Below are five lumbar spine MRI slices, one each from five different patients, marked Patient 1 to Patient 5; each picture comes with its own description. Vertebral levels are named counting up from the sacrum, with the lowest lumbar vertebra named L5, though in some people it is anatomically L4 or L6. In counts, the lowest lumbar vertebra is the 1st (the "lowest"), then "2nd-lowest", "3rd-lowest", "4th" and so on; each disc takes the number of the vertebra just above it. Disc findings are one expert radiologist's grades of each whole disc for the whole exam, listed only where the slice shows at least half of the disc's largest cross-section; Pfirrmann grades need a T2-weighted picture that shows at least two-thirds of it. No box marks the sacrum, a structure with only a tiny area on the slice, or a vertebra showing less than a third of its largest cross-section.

Patient 1 of 5:
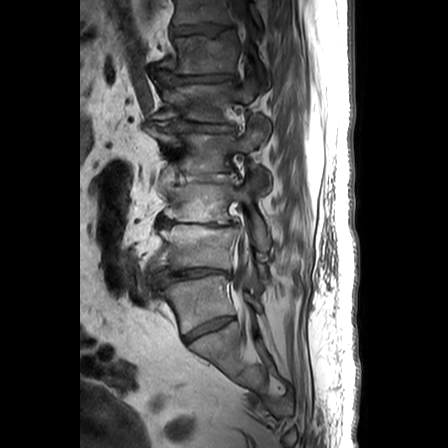 Sagittal slice index 10. T1-weighted sagittal MRI of the lumbar spine.
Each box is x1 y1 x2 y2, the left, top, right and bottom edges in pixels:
* L4 (2nd-lowest vertebra) at 151 224 267 277
* L2/L3 (4th disc) at 180 173 226 181
* IVD L3/L4 (3rd-lowest disc) at 157 217 237 227
* L1 (5th vertebra) at 154 77 270 131
* L2 (4th vertebra) at 150 126 270 191
* T12 (6th vertebra) at 157 32 269 87
* L3 (3rd-lowest vertebra) at 164 178 270 250
* L4/L5 (2nd-lowest disc) at 154 268 228 286
* IVD T11/T12 (7th disc) at 171 23 228 36
* IVD L5/S1 (lowest disc) at 185 317 232 341
* T11 (7th vertebra) at 173 0 263 29
* thecal sac / spinal canal at 229 0 251 295
* IVD L1/L2 (5th disc) at 155 120 232 131
* IVD T12/L1 (6th disc) at 156 70 233 83
* L5 (lowest vertebra) at 156 275 261 332

Per-level radiological findings:
• L4/L5 (2nd-lowest disc): disc bulging, disc narrowing, disc herniation, Modic type II
• L3/L4 (3rd-lowest disc): disc bulging, disc narrowing, Modic type II, disc herniation
• L1/L2 (5th disc): disc narrowing, disc bulging
• T12/L1 (6th disc): disc bulging, disc herniation, disc narrowing
• T11/T12 (7th disc): disc narrowing, disc bulging, upper-endplate change
• L5/S1 (lowest disc): disc narrowing
• L2/L3 (4th disc): disc bulging, disc narrowing

Patient 2 of 5:
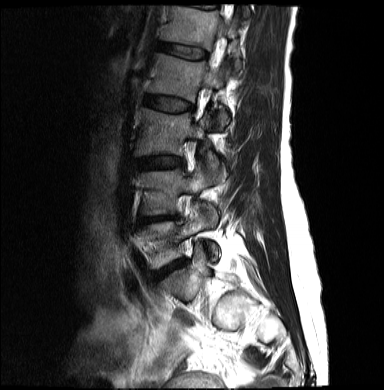

Sagittal slice index 4; Lumbar spine MR, T2-weighted, sagittal; Patient sex: F; Field of view 260x264 mm, slice spacing 4.8 mm

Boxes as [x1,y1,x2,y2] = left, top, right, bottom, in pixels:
* L3 at [135,108,225,176]
* L1 vertebra at [161,6,241,72]
* L5/S1 at [152,259,183,280]
* L4/L5 at [141,217,175,223]
* L4 vertebra at [140,165,217,223]
* intervertebral disc L1/L2 at [159,42,207,58]
* L2 at [147,53,228,127]
* L2/L3 at [144,94,192,112]
* intervertebral disc L3/L4 at [137,156,182,169]
* L5 vertebra at [146,210,218,268]

Per-level radiological findings:
- L2/L3: Pfirrmann grade 2
- L1/L2: Pfirrmann grade 2
- L3/L4: Pfirrmann grade 2

Patient 3 of 5:
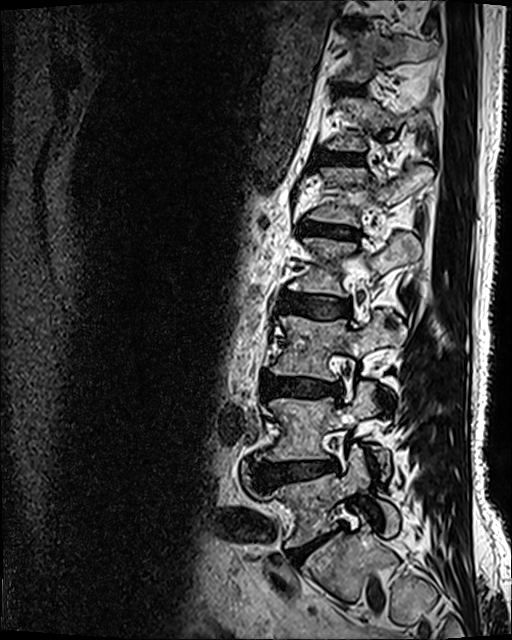
Field of view 240x300 mm; 512x640 px; Sagittal T2 SPACE (3D) lumbar spine MRI

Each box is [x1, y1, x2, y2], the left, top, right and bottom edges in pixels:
8th disc — [349, 21, 365, 26].
5th disc — [301, 222, 357, 238].
Lowest disc — [290, 530, 337, 561].
5th vertebra — [312, 165, 432, 225].
7th vertebra — [341, 31, 439, 82].
3rd-lowest disc — [263, 375, 342, 398].
2nd-lowest disc — [253, 460, 337, 486].
4th disc — [279, 292, 351, 317].
Lowest vertebra — [259, 446, 399, 547].
4th vertebra — [289, 233, 421, 296].
3rd-lowest vertebra — [271, 312, 407, 380].
2nd-lowest vertebra — [264, 381, 390, 478].
6th disc — [321, 154, 359, 166].

Expert MSK radiologist gradings (per disc):
  5th disc: Modic type II, upper-endplate change, lower-endplate change, disc narrowing, disc bulging
  4th disc: Pfirrmann grade 3, disc bulging
  3rd-lowest disc: Pfirrmann grade 4, Modic type II, disc narrowing, lower-endplate change, disc bulging
  2nd-lowest disc: disc bulging, disc herniation

Patient 4 of 5:
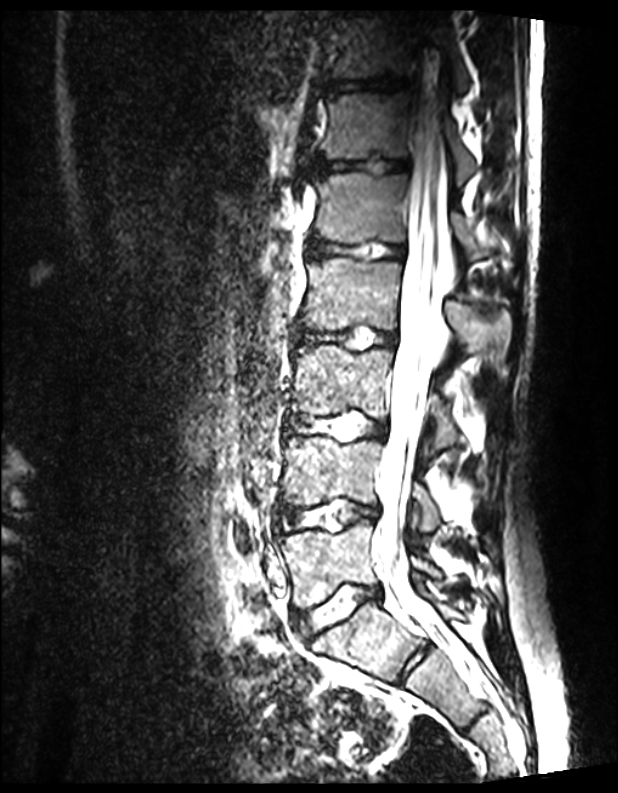 Image 618x793 | Slice 74/144 | Lumbar spine MR, T2 SPACE (3D), sagittal | Patient sex: M
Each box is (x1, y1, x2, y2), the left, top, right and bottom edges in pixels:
- L4/L5 — (277, 501, 377, 531)
- T11 vertebra — (330, 10, 469, 95)
- T12/L1 — (313, 159, 406, 175)
- spinal canal — (371, 38, 450, 635)
- T11/T12 — (322, 77, 404, 93)
- L2/L3 — (293, 325, 395, 348)
- L3/L4 — (287, 414, 387, 439)
- T12 vertebra — (321, 92, 478, 179)
- L3 — (292, 345, 452, 456)
- L4 vertebra — (282, 437, 439, 533)
- intervertebral disc L1/L2 — (307, 237, 404, 260)
- L2 vertebra — (298, 257, 511, 360)
- L5 vertebra — (279, 521, 438, 607)
- L1 — (315, 173, 513, 260)
- intervertebral disc L5/S1 — (298, 586, 381, 640)

Expert MSK radiologist gradings (per disc):
  L2/L3: Pfirrmann grade 1
  L1/L2: Pfirrmann grade 1
  L4/L5: Pfirrmann grade 1
  T12/L1: Pfirrmann grade 1
  L3/L4: Pfirrmann grade 1
  T11/T12: Pfirrmann grade 1
  L5/S1: Pfirrmann grade 1

Patient 5 of 5:
Sagittal slice index 14; Lumbar spine MR, T1-weighted, sagittal; 512x512 px 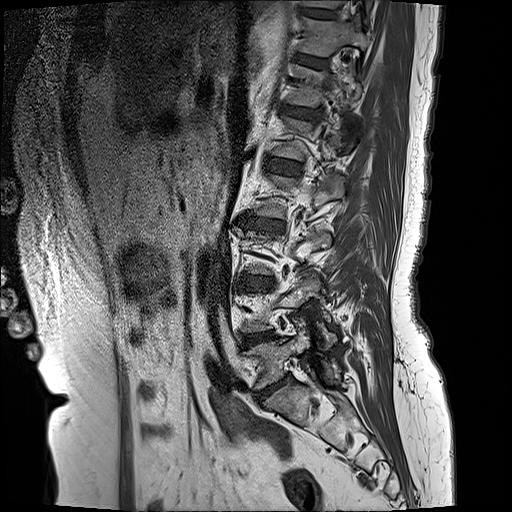

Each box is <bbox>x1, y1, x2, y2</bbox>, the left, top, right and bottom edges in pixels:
disc L1/L2 at <bbox>264, 158, 302, 175</bbox> | L2/L3 at <bbox>239, 215, 284, 231</bbox> | T12/L1 at <bbox>281, 106, 320, 120</bbox> | T12 at <bbox>290, 66, 361, 107</bbox> | T11 vertebra at <bbox>299, 18, 366, 55</bbox> | T10/T11 at <bbox>299, 7, 336, 17</bbox> | L5/S1 at <bbox>255, 375, 290, 401</bbox> | T11/T12 at <bbox>295, 55, 327, 66</bbox> | disc L4/L5 at <bbox>242, 332, 275, 345</bbox> | T10 vertebra at <bbox>301, 0, 373, 22</bbox> | disc L3/L4 at <bbox>239, 276, 273, 285</bbox> | L5 vertebra at <bbox>247, 328, 331, 389</bbox>

Expert MSK radiologist gradings (per disc):
- L2/L3: disc narrowing, Modic type II, upper-endplate change, disc bulging, lower-endplate change
- T12/L1: disc bulging
- T10/T11, L1/L2, T11/T12: no Modic or endplate change, herniation, narrowing, bulging or spondylolisthesis recorded